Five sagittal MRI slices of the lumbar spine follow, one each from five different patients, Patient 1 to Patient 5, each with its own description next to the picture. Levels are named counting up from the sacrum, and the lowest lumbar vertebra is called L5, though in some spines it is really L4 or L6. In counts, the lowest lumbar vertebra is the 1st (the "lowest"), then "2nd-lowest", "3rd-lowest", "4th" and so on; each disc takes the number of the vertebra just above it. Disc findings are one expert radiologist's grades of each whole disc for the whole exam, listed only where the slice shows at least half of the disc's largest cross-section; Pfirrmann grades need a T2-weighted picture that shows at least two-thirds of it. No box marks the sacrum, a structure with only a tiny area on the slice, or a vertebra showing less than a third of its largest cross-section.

Patient 1 of 5:
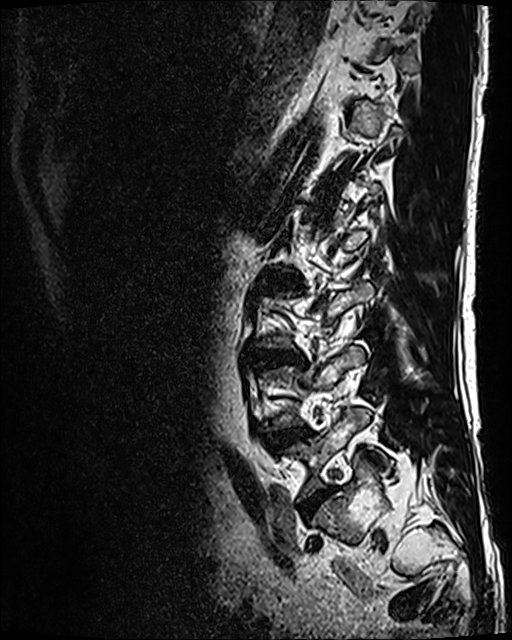
T2 SPACE (3D) sagittal MRI of the lumbar spine
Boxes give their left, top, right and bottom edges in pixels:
Annotations:
• 4th disc — left=264, top=274, right=300, bottom=288
• 2nd-lowest disc — left=265, top=428, right=310, bottom=450
• lowest vertebra — left=285, top=409, right=366, bottom=501
• lowest disc — left=301, top=488, right=333, bottom=518
• 3rd-lowest disc — left=251, top=350, right=303, bottom=368

Expert MSK radiologist gradings (per disc):
• 2nd-lowest disc: disc bulging, Modic type II

Patient 2 of 5:
Lumbar spine MR, T1-weighted, sagittal, Patient sex: M, Slice 13 of 30

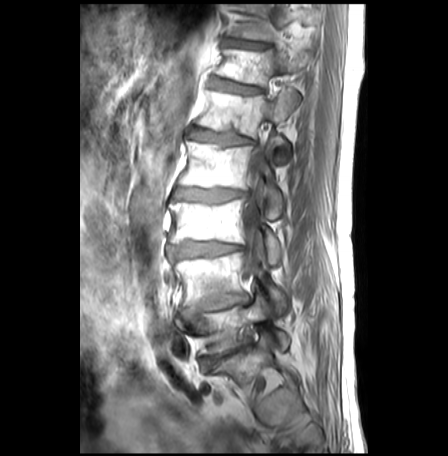
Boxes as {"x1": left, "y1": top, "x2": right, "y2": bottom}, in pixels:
L5 at {"x1": 178, "y1": 294, "x2": 288, "y2": 354}, L4/L5 at {"x1": 181, "y1": 294, "x2": 246, "y2": 318}, spinal canal at {"x1": 239, "y1": 108, "x2": 270, "y2": 284}, L4 at {"x1": 173, "y1": 253, "x2": 281, "y2": 311}, T11 at {"x1": 230, "y1": 4, "x2": 316, "y2": 41}, L5/S1 at {"x1": 201, "y1": 343, "x2": 250, "y2": 367}, disc T11/T12 at {"x1": 223, "y1": 39, "x2": 266, "y2": 48}, T12/L1 at {"x1": 208, "y1": 78, "x2": 261, "y2": 94}, T12 vertebra at {"x1": 215, "y1": 50, "x2": 311, "y2": 88}, disc L1/L2 at {"x1": 190, "y1": 129, "x2": 250, "y2": 146}, disc L3/L4 at {"x1": 165, "y1": 241, "x2": 240, "y2": 262}, L2 at {"x1": 176, "y1": 142, "x2": 281, "y2": 220}, disc L2/L3 at {"x1": 173, "y1": 189, "x2": 243, "y2": 205}, L1 at {"x1": 196, "y1": 89, "x2": 300, "y2": 164}, L3 vertebra at {"x1": 168, "y1": 200, "x2": 280, "y2": 265}.

Per-level radiological findings:
  T12/L1: upper-endplate change, disc bulging, Modic type II, lower-endplate change
  L1/L2: upper-endplate change, disc bulging, lower-endplate change, Modic type II
  L2/L3: disc narrowing, disc bulging, Modic type II, upper-endplate change, lower-endplate change
  L4/L5: lower-endplate change, upper-endplate change, disc bulging, Modic type II
  L3/L4: upper-endplate change, Modic type II, disc bulging, disc narrowing, lower-endplate change

Patient 3 of 5:
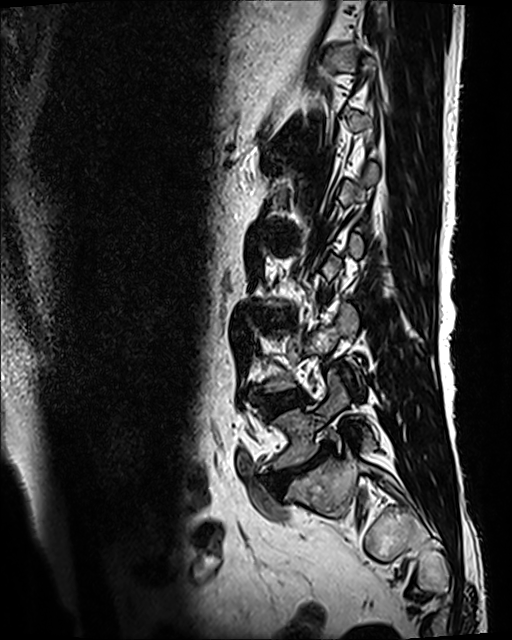

Field of view 240x300 mm, slice spacing 0.9 mm, Image 512x640, T2 SPACE (3D) sagittal MRI of the lumbar spine
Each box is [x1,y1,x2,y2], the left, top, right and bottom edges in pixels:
Disc L3/L4 (3rd-lowest disc): [264,310,287,325].
L4/L5 (2nd-lowest disc): [262,393,304,414].
L5 (lowest vertebra): [273,370,376,469].
Disc L5/S1 (lowest disc): [281,445,333,477].

Patient 4 of 5:
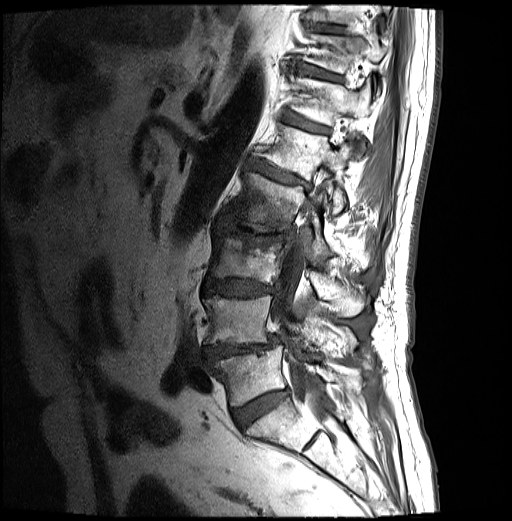 Patient sex: M, Image 512x521, Sagittal T1-weighted lumbar spine MRI, Field of view 300x305 mm
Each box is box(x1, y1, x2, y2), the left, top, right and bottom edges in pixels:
L4/L5: box(208, 336, 276, 357).
Thecal sac / spinal canal: box(272, 196, 331, 419).
L3: box(208, 230, 367, 316).
IVD T12/L1: box(283, 112, 328, 132).
L1/L2: box(247, 158, 310, 188).
T11: box(305, 34, 384, 73).
L5 vertebra: box(215, 345, 358, 405).
T12: box(288, 74, 370, 149).
L1 vertebra: box(253, 125, 351, 213).
L3/L4: box(204, 280, 275, 297).
IVD T10/T11: box(307, 24, 343, 33).
IVD L5/S1: box(233, 389, 288, 428).
L2: box(229, 172, 333, 260).
L4 vertebra: box(204, 295, 357, 347).
IVD T11/T12: box(290, 64, 343, 81).
L2/L3: box(216, 217, 290, 243).

Radiological gradings:
- L4/L5: upper-endplate change, disc narrowing, lower-endplate change, disc herniation, Modic type II, disc bulging, spondylolisthesis
- T12/L1: Modic type II, disc bulging, upper-endplate change, lower-endplate change
- L2/L3: disc narrowing, Modic type I, disc bulging, lower-endplate change, upper-endplate change
- T11/T12: disc bulging, lower-endplate change, upper-endplate change
- L3/L4: lower-endplate change, disc bulging, upper-endplate change
- L1/L2: lower-endplate change, disc bulging, upper-endplate change, Modic type II
- L5/S1: no herniation, bulging, narrowing, spondylolisthesis, endplate or Modic change recorded

Patient 5 of 5:
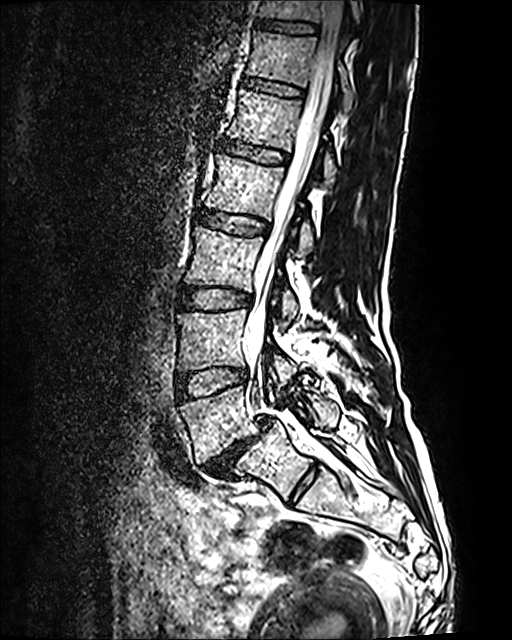

MRI lumbar spine (T2 SPACE (3D)), sagittal plane | Field of view 240x300 mm, slice spacing 0.9 mm

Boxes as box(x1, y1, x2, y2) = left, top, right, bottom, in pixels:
Structures:
- intervertebral disc L5/S1 (lowest disc) = box(203, 416, 270, 476)
- intervertebral disc L3/L4 (3rd-lowest disc) = box(177, 287, 250, 309)
- L1 (5th vertebra) = box(227, 89, 337, 184)
- L4/L5 (2nd-lowest disc) = box(175, 367, 246, 400)
- thecal sac / spinal canal = box(245, 0, 346, 434)
- intervertebral disc L1/L2 (5th disc) = box(220, 141, 286, 163)
- T12/L1 (6th disc) = box(242, 78, 300, 96)
- L5 (lowest vertebra) = box(180, 386, 340, 462)
- L4 (2nd-lowest vertebra) = box(177, 310, 295, 386)
- intervertebral disc T11/T12 (7th disc) = box(256, 19, 315, 33)
- L2 (4th vertebra) = box(205, 153, 313, 255)
- L3 (3rd-lowest vertebra) = box(185, 227, 297, 324)
- intervertebral disc L2/L3 (4th disc) = box(195, 209, 268, 233)
- T11 (7th vertebra) = box(259, 0, 362, 29)
- T12 (6th vertebra) = box(246, 31, 355, 111)

Degenerative findings by level:
- L1/L2 (5th disc): Pfirrmann grade 2
- L4/L5 (2nd-lowest disc): Pfirrmann grade 2
- L3/L4 (3rd-lowest disc): Pfirrmann grade 2
- L2/L3 (4th disc): Pfirrmann grade 2
- T11/T12 (7th disc): Pfirrmann grade 2
- T12/L1 (6th disc): Pfirrmann grade 2
- L5/S1 (lowest disc): Pfirrmann grade 5, disc bulging, disc narrowing, Modic type II, spondylolisthesis